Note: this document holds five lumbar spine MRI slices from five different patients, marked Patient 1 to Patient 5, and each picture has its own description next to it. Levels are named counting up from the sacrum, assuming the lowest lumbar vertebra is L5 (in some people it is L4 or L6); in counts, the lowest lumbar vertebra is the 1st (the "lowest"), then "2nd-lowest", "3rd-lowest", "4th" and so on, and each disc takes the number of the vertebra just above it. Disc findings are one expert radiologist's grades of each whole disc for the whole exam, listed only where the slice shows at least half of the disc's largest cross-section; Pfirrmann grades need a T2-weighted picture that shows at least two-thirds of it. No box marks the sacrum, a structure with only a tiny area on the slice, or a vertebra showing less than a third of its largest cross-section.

Patient 1 of 5:
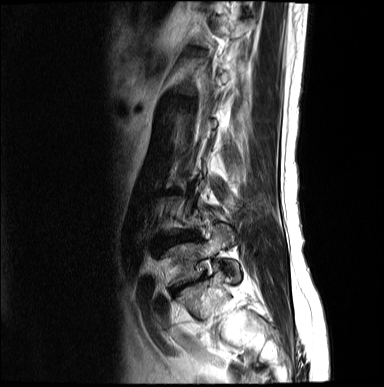 Patient sex: M | Slice 15 of 17 | Slice spacing 4.8 mm | T2-weighted sagittal MRI of the lumbar spine

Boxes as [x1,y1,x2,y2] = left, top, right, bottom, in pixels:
{"L5 (lowest vertebra)": "[166,224,240,285]", "L4/L5 (2nd-lowest disc)": "[161,232,199,247]", "L5/S1 (lowest disc)": "[171,278,201,295]"}

Radiological gradings:
• L4/L5 (2nd-lowest disc): upper-endplate change, lower-endplate change, disc narrowing, disc bulging

Patient 2 of 5:
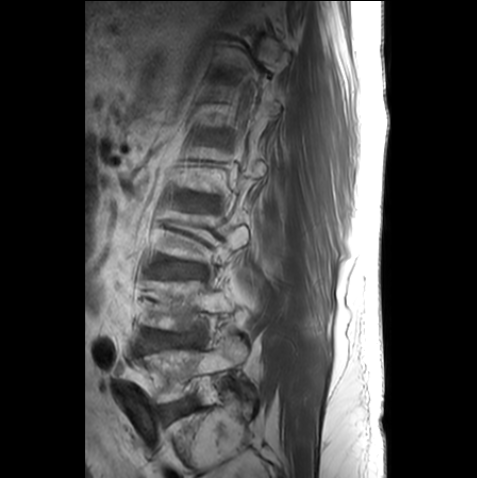

Field of view 280x281 mm; T1-weighted sagittal MRI of the lumbar spine

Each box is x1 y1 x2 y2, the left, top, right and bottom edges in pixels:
L5/S1: 162 401 187 422.
L5: 136 346 255 404.
L4 vertebra: 147 280 234 330.
L4/L5: 147 333 194 347.
L3/L4: 159 262 204 276.
Disc L2/L3: 186 199 213 208.

Patient 3 of 5:
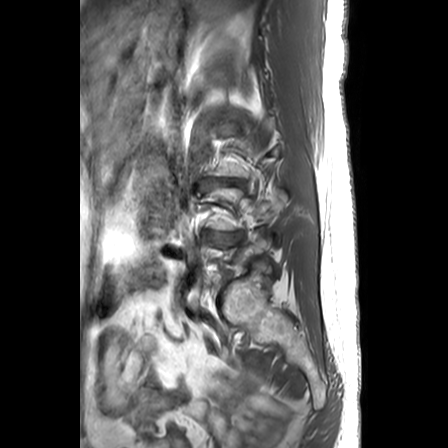
Patient sex: F | Lumbar spine MR, T1-weighted, sagittal | Sagittal slice index 2

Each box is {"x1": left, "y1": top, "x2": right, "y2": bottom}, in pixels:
3rd-lowest disc at {"x1": 196, "y1": 178, "x2": 247, "y2": 194}, 2nd-lowest disc at {"x1": 203, "y1": 232, "x2": 243, "y2": 246}.

Radiological gradings:
  2nd-lowest disc: lower-endplate change, disc bulging, disc narrowing, upper-endplate change, Modic type II
  3rd-lowest disc: Modic type II, lower-endplate change, upper-endplate change, disc bulging, disc narrowing

Patient 4 of 5:
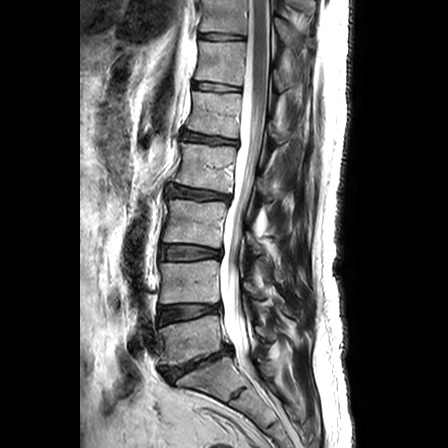
448x448 px. Sagittal T2-weighted lumbar spine MRI. Sex M.

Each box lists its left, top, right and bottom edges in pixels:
L3/L4 (3rd-lowest disc) = left=161, top=245, right=220, bottom=259 | L1/L2 (5th disc) = left=183, top=131, right=237, bottom=144 | IVD T12/L1 (6th disc) = left=193, top=81, right=238, bottom=90 | L4 (2nd-lowest vertebra) = left=159, top=260, right=263, bottom=303 | L1 (5th vertebra) = left=187, top=91, right=280, bottom=142 | L5 (lowest vertebra) = left=159, top=315, right=275, bottom=365 | L4/L5 (2nd-lowest disc) = left=159, top=304, right=219, bottom=322 | T11 (7th vertebra) = left=199, top=0, right=299, bottom=44 | T11/T12 (7th disc) = left=199, top=33, right=243, bottom=39 | L2 (4th vertebra) = left=175, top=142, right=272, bottom=200 | L3 (3rd-lowest vertebra) = left=163, top=198, right=262, bottom=254 | T12 (6th vertebra) = left=196, top=41, right=286, bottom=91 | L2/L3 (4th disc) = left=167, top=186, right=229, bottom=201 | spinal canal = left=220, top=0, right=269, bottom=371 | L5/S1 (lowest disc) = left=162, top=345, right=231, bottom=381

Expert MSK radiologist gradings (per disc):
  T11/T12 (7th disc): Pfirrmann grade 1
  T12/L1 (6th disc): Pfirrmann grade 1
  L1/L2 (5th disc): Pfirrmann grade 3, lower-endplate change, disc bulging, Modic type II, upper-endplate change
  L3/L4 (3rd-lowest disc): Pfirrmann grade 2, disc bulging
  L2/L3 (4th disc): Pfirrmann grade 3, disc bulging
  L4/L5 (2nd-lowest disc): Pfirrmann grade 3, disc bulging, disc narrowing
  L5/S1 (lowest disc): Pfirrmann grade 5, upper-endplate change, spondylolisthesis, disc bulging, lower-endplate change, disc herniation, disc narrowing, Modic type II

Patient 5 of 5:
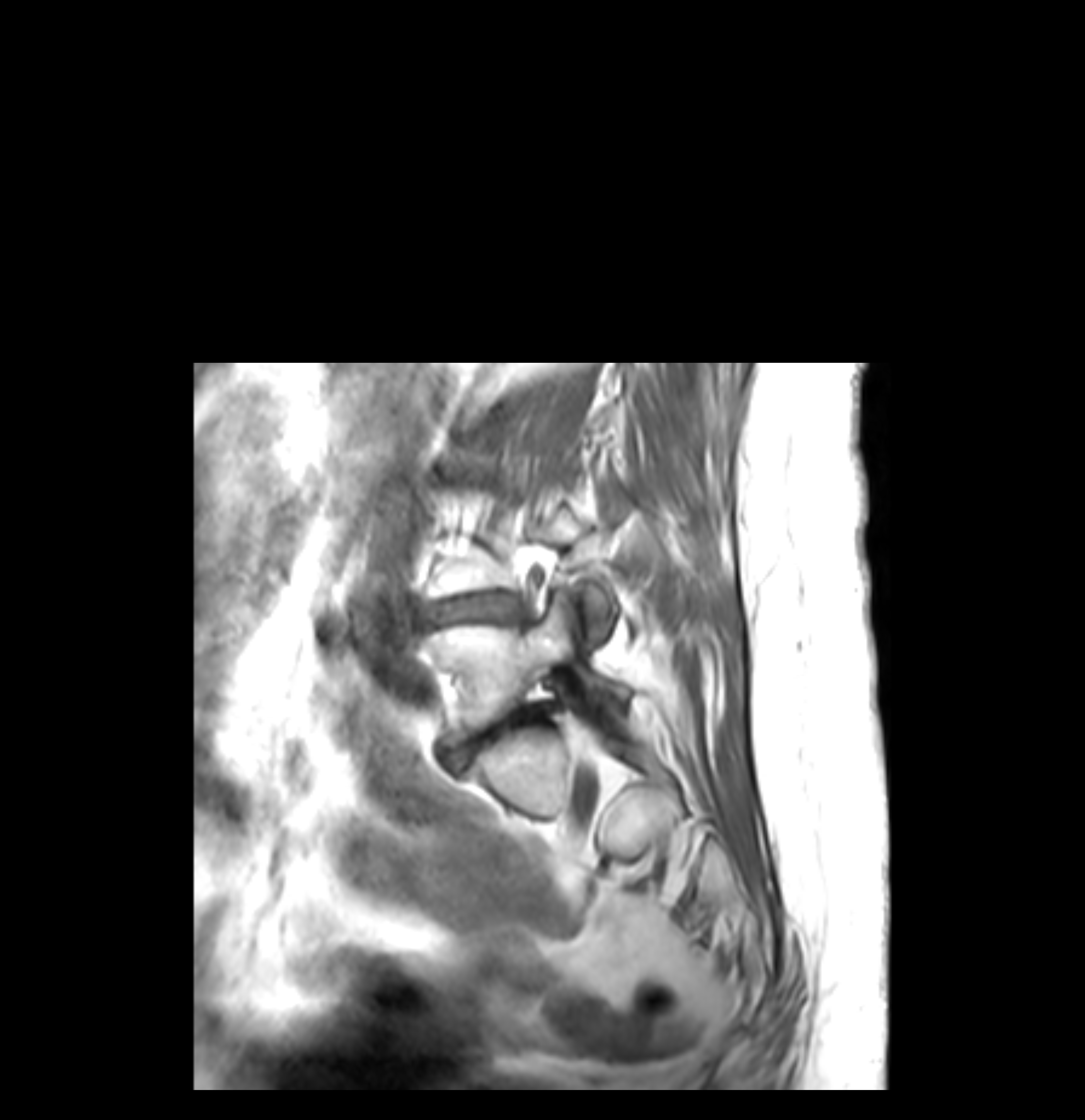 Patient sex: F; Image 1085x1120; MRI lumbar spine (T1-weighted), sagittal plane
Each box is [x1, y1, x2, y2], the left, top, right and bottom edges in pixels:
{"lowest vertebra": "[419, 592, 627, 743]", "lowest disc": "[450, 706, 545, 768]", "2nd-lowest disc": "[421, 592, 520, 623]"}

Degenerative findings by level:
- lowest disc: disc narrowing, Modic type II, lower-endplate change, disc herniation, upper-endplate change, disc bulging
- 2nd-lowest disc: upper-endplate change, lower-endplate change, disc bulging, disc narrowing, Modic type II